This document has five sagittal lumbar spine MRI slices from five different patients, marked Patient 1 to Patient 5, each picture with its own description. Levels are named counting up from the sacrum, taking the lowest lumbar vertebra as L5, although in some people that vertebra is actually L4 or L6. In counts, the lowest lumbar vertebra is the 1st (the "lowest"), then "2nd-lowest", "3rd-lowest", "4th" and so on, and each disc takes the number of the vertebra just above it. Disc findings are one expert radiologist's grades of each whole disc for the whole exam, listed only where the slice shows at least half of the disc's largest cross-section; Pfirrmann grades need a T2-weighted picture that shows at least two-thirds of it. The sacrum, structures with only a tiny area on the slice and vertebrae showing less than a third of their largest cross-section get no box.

Patient 1 of 5:
Field of view 308x308 mm, slice spacing 4.4 mm, Slice 6/17, T2-weighted sagittal MRI of the lumbar spine, Scanner: Philips Medical Systems Ingenia (1.5T), Patient sex: F
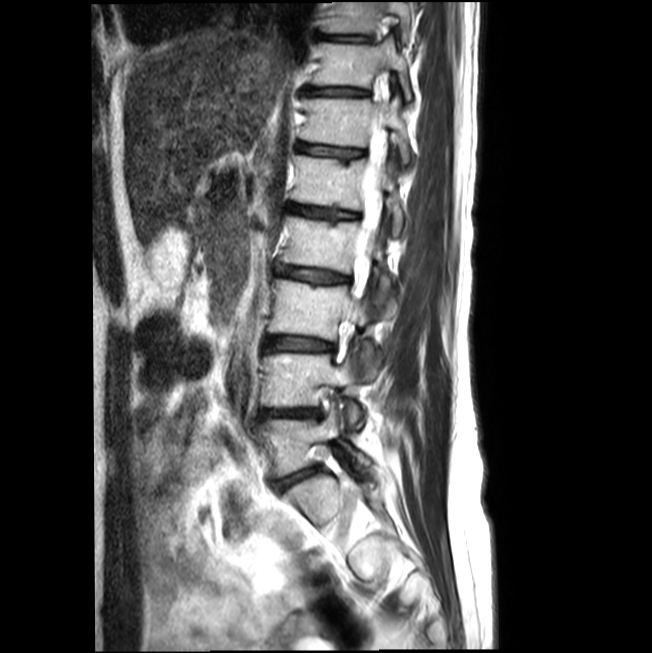

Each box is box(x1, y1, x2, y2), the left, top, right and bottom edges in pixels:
Segmented structures:
* IVD L4/L5 (2nd-lowest disc) = box(261, 410, 316, 417)
* L5/S1 (lowest disc) = box(275, 467, 317, 489)
* IVD L3/L4 (3rd-lowest disc) = box(266, 336, 331, 350)
* L1 (5th vertebra) = box(290, 155, 402, 235)
* L3 (3rd-lowest vertebra) = box(268, 279, 374, 371)
* L5 (lowest vertebra) = box(259, 406, 370, 476)
* T11/T12 (7th disc) = box(304, 88, 364, 94)
* IVD L1/L2 (5th disc) = box(288, 204, 355, 220)
* IVD T12/L1 (6th disc) = box(298, 143, 361, 158)
* IVD T10/T11 (8th disc) = box(321, 35, 367, 41)
* L2 (4th vertebra) = box(279, 216, 389, 302)
* T11 (7th vertebra) = box(312, 40, 410, 98)
* T10 (8th vertebra) = box(324, 2, 413, 41)
* thecal sac / spinal canal = box(347, 114, 385, 317)
* T12 (6th vertebra) = box(301, 97, 409, 162)
* L4 (2nd-lowest vertebra) = box(261, 352, 359, 422)
* L2/L3 (4th disc) = box(277, 265, 347, 282)

Degenerative findings by level:
  L2/L3 (4th disc): Pfirrmann grade 2, upper-endplate change, lower-endplate change, disc narrowing
  L1/L2 (5th disc): Pfirrmann grade 4, upper-endplate change, lower-endplate change, disc narrowing
  T12/L1 (6th disc): Pfirrmann grade 2, disc narrowing, lower-endplate change, upper-endplate change
  T11/T12 (7th disc): Pfirrmann grade 3, upper-endplate change, lower-endplate change, disc narrowing
  T10/T11 (8th disc): Pfirrmann grade 3, disc narrowing
  L3/L4 (3rd-lowest disc): Pfirrmann grade 2, upper-endplate change, lower-endplate change, disc narrowing

Patient 2 of 5:
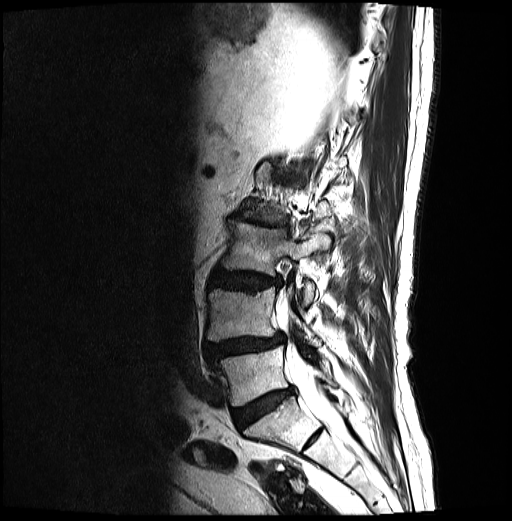
Sagittal slice index 19 | T2-weighted sagittal MRI of the lumbar spine | Patient sex: M

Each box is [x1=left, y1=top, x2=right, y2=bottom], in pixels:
3rd-lowest vertebra: [x1=221, y1=223, x2=330, y2=306]
lowest disc: [x1=233, y1=388, x2=292, y2=428]
spinal canal: [x1=275, y1=295, x2=344, y2=433]
lowest vertebra: [x1=216, y1=346, x2=333, y2=405]
2nd-lowest vertebra: [x1=207, y1=287, x2=321, y2=345]
3rd-lowest disc: [x1=210, y1=271, x2=281, y2=290]
2nd-lowest disc: [x1=206, y1=334, x2=283, y2=362]

Per-level radiological findings:
• 2nd-lowest disc: Pfirrmann grade 4, Modic type II, upper-endplate change, spondylolisthesis, lower-endplate change, disc bulging, disc herniation, disc narrowing
• 3rd-lowest disc: Pfirrmann grade 4, lower-endplate change, upper-endplate change, disc bulging
• lowest disc: Pfirrmann grade 4

Patient 3 of 5:
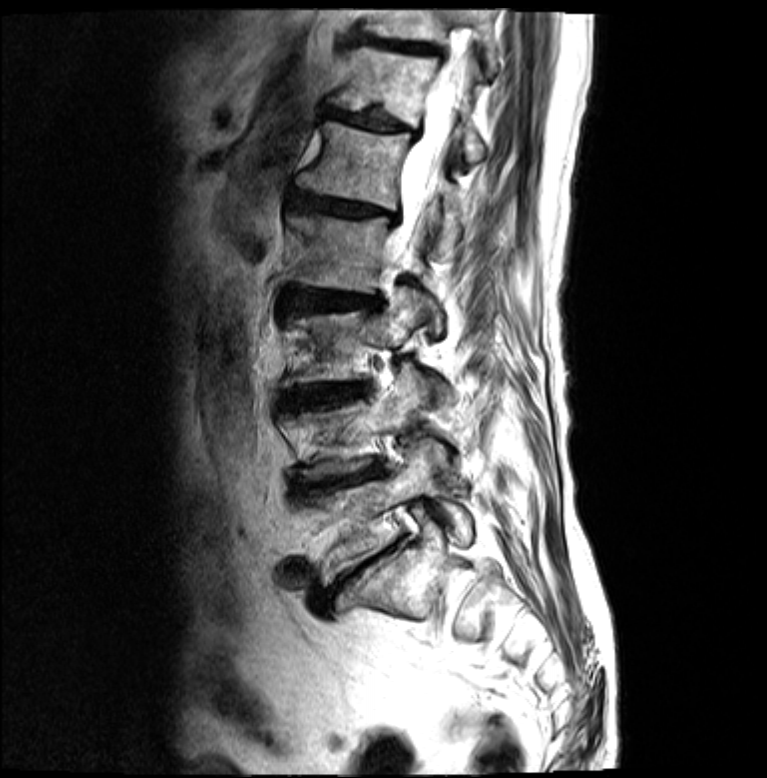 Patient sex: F. MRI lumbar spine (T2-weighted), sagittal plane. Slice 13 of 19.
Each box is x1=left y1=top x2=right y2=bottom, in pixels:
thecal sac / spinal canal: x1=399 y1=94 x2=454 y2=240
T11/T12 (7th disc): x1=351 y1=34 x2=444 y2=55
T12 (6th vertebra): x1=333 y1=48 x2=486 y2=164
T11 (7th vertebra): x1=369 y1=10 x2=494 y2=59
L4 (2nd-lowest vertebra): x1=280 y1=364 x2=428 y2=480
intervertebral disc L5/S1 (lowest disc): x1=341 y1=546 x2=396 y2=581
intervertebral disc L2/L3 (4th disc): x1=282 y1=288 x2=380 y2=313
L2 (4th vertebra): x1=288 y1=214 x2=442 y2=335
intervertebral disc T12/L1 (6th disc): x1=325 y1=111 x2=420 y2=138
L1 (5th vertebra): x1=297 y1=123 x2=464 y2=257
intervertebral disc L1/L2 (5th disc): x1=291 y1=195 x2=398 y2=224
L5 (lowest vertebra): x1=321 y1=437 x2=470 y2=574
L3/L4 (3rd-lowest disc): x1=280 y1=383 x2=368 y2=410
L4/L5 (2nd-lowest disc): x1=297 y1=463 x2=384 y2=500
L3 (3rd-lowest vertebra): x1=280 y1=288 x2=454 y2=402

Expert MSK radiologist gradings (per disc):
- T12/L1 (6th disc): Pfirrmann grade 5, disc narrowing, disc bulging, upper-endplate change, Modic type II, lower-endplate change
- T11/T12 (7th disc): Pfirrmann grade 5, upper-endplate change, disc narrowing, lower-endplate change, disc bulging, Modic type II
- L4/L5 (2nd-lowest disc): upper-endplate change, disc narrowing, lower-endplate change, Modic type II, disc bulging
- L3/L4 (3rd-lowest disc): upper-endplate change, Modic type II, lower-endplate change, disc bulging
- L2/L3 (4th disc): Pfirrmann grade 4, disc bulging, disc narrowing, upper-endplate change, Modic type II, lower-endplate change
- L1/L2 (5th disc): Pfirrmann grade 5, upper-endplate change, disc narrowing, Modic type II, disc bulging, lower-endplate change

Patient 4 of 5:
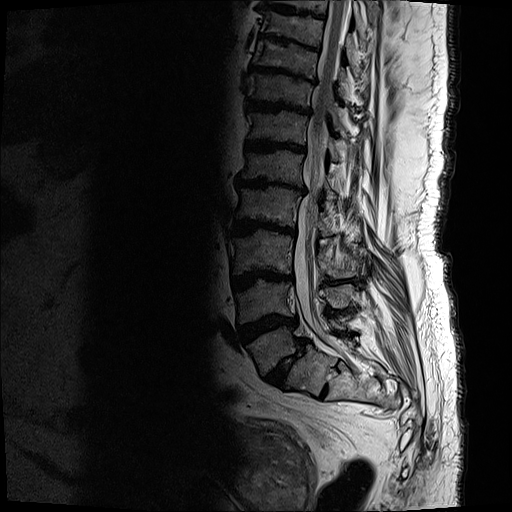

Slice 9/17; T2-weighted sagittal MRI of the lumbar spine; Field of view 300x300 mm, slice spacing 3.3 mm

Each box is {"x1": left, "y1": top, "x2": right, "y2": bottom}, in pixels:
L4 vertebra — {"x1": 236, "y1": 280, "x2": 354, "y2": 325}.
Intervertebral disc T12/L1 — {"x1": 246, "y1": 139, "x2": 308, "y2": 154}.
L1 — {"x1": 241, "y1": 150, "x2": 338, "y2": 201}.
Intervertebral disc T9/T10 — {"x1": 258, "y1": 35, "x2": 319, "y2": 50}.
Thecal sac / spinal canal — {"x1": 294, "y1": 1, "x2": 353, "y2": 337}.
T11 vertebra — {"x1": 251, "y1": 72, "x2": 348, "y2": 132}.
L2 vertebra — {"x1": 237, "y1": 186, "x2": 334, "y2": 237}.
L4/L5 — {"x1": 236, "y1": 314, "x2": 298, "y2": 345}.
T10/T11 — {"x1": 251, "y1": 64, "x2": 311, "y2": 82}.
L3 — {"x1": 229, "y1": 230, "x2": 357, "y2": 279}.
L2/L3 — {"x1": 234, "y1": 219, "x2": 295, "y2": 235}.
Intervertebral disc L1/L2 — {"x1": 235, "y1": 176, "x2": 306, "y2": 193}.
L5/S1 — {"x1": 266, "y1": 340, "x2": 306, "y2": 386}.
T12 vertebra — {"x1": 247, "y1": 111, "x2": 342, "y2": 162}.
T11/T12 — {"x1": 246, "y1": 98, "x2": 313, "y2": 115}.
L3/L4 — {"x1": 231, "y1": 270, "x2": 292, "y2": 291}.
L5 — {"x1": 246, "y1": 318, "x2": 346, "y2": 375}.
T10 — {"x1": 255, "y1": 39, "x2": 351, "y2": 96}.

Expert MSK radiologist gradings (per disc):
  L2/L3: disc bulging, disc narrowing, upper-endplate change, Modic type II, lower-endplate change
  T9/T10: disc narrowing, disc bulging, upper-endplate change, Modic type II, lower-endplate change
  L5/S1: Pfirrmann grade 5, Modic type II, disc bulging, disc narrowing, spondylolisthesis, upper-endplate change, lower-endplate change
  T10/T11: disc bulging, Modic type II, disc narrowing, upper-endplate change, lower-endplate change
  T11/T12: Pfirrmann grade 5, Modic type II, disc narrowing, upper-endplate change, lower-endplate change, disc bulging
  T12/L1: Pfirrmann grade 5, Modic type II, lower-endplate change, upper-endplate change, disc narrowing, disc bulging
  L1/L2: Pfirrmann grade 5, upper-endplate change, disc bulging, Modic type II, disc narrowing, lower-endplate change
  L3/L4: Pfirrmann grade 5, upper-endplate change, disc bulging, lower-endplate change, disc narrowing, Modic type II
  L4/L5: Pfirrmann grade 5, disc bulging, Modic type II, disc narrowing, lower-endplate change, upper-endplate change

Patient 5 of 5:
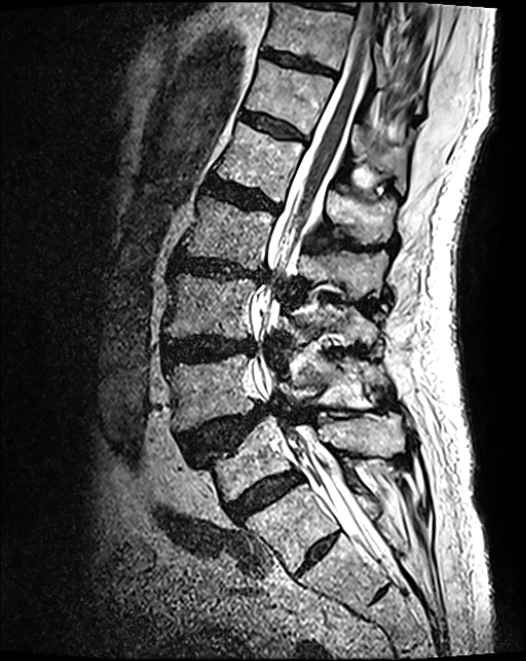 MRI lumbar spine (T2 SPACE (3D)), sagittal plane, Sex M, Field of view 240x302 mm, Sagittal slice index 64
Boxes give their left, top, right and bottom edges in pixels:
Disc T11/T12 (7th disc) at left=262, top=48, right=334, bottom=74; L1 (5th vertebra) at left=216, top=124, right=395, bottom=242; L4/L5 (2nd-lowest disc) at left=181, top=404, right=272, bottom=460; L3 (3rd-lowest vertebra) at left=165, top=275, right=377, bottom=355; spinal canal at left=251, top=1, right=386, bottom=562; L2 (4th vertebra) at left=181, top=197, right=386, bottom=300; disc L5/S1 (lowest disc) at left=227, top=472, right=301, bottom=521; disc L3/L4 (3rd-lowest disc) at left=162, top=338, right=254, bottom=365; disc L1/L2 (5th disc) at left=205, top=178, right=280, bottom=213; T11 (7th vertebra) at left=266, top=3, right=418, bottom=93; L2/L3 (4th disc) at left=171, top=252, right=268, bottom=283; L4 (2nd-lowest vertebra) at left=166, top=355, right=376, bottom=432; T12 (6th vertebra) at left=246, top=61, right=407, bottom=189; T12/L1 (6th disc) at left=240, top=112, right=304, bottom=141; L5 (lowest vertebra) at left=201, top=418, right=400, bottom=501.

Per-level radiological findings:
- L2/L3 (4th disc): Pfirrmann grade 4, lower-endplate change, disc narrowing, disc bulging, upper-endplate change
- L4/L5 (2nd-lowest disc): Pfirrmann grade 4, spondylolisthesis, disc herniation, upper-endplate change
- T12/L1 (6th disc): Pfirrmann grade 3
- T11/T12 (7th disc): Pfirrmann grade 3, lower-endplate change
- L1/L2 (5th disc): Pfirrmann grade 4, disc bulging, lower-endplate change, upper-endplate change
- L3/L4 (3rd-lowest disc): Pfirrmann grade 4, disc bulging
- L5/S1 (lowest disc): Pfirrmann grade 4